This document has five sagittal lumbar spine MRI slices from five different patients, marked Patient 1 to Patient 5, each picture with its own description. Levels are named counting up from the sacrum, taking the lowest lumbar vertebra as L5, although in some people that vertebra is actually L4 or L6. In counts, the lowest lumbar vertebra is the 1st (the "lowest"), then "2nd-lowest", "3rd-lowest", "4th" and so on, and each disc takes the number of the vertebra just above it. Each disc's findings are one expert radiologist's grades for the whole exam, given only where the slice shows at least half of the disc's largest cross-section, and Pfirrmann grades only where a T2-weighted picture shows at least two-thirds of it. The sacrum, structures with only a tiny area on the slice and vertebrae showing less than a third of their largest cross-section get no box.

Patient 1 of 5:
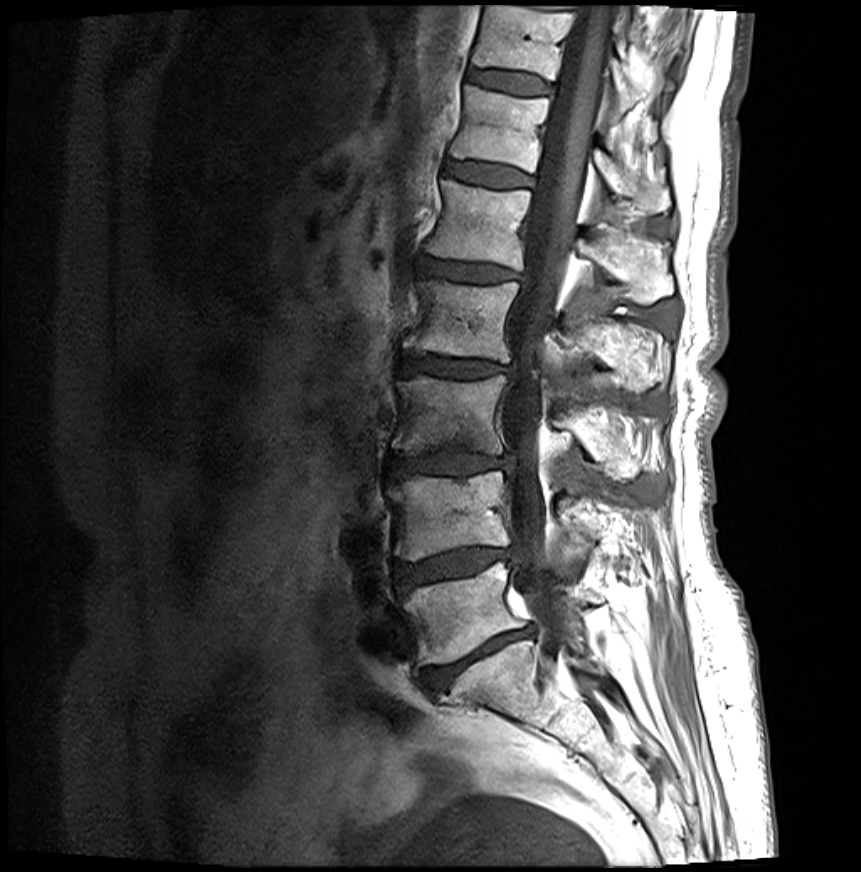 Image 861x872, Sex F, Slice 14/27, Lumbar spine MR, T1-weighted, sagittal
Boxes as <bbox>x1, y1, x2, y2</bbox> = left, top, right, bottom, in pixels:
Structures:
* 5th vertebra: <bbox>427, 181, 673, 303</bbox>
* 4th disc: <bbox>400, 357, 507, 377</bbox>
* 3rd-lowest vertebra: <bbox>392, 376, 628, 471</bbox>
* 7th disc: <bbox>467, 71, 552, 94</bbox>
* spinal canal: <bbox>503, 6, 614, 694</bbox>
* 4th vertebra: <bbox>404, 281, 670, 391</bbox>
* lowest disc: <bbox>422, 629, 530, 692</bbox>
* 7th vertebra: <bbox>472, 6, 640, 113</bbox>
* lowest vertebra: <bbox>404, 562, 604, 665</bbox>
* 5th disc: <bbox>419, 257, 517, 282</bbox>
* 6th disc: <bbox>446, 162, 530, 187</bbox>
* 6th vertebra: <bbox>451, 87, 670, 213</bbox>
* 3rd-lowest disc: <bbox>388, 450, 510, 477</bbox>
* 2nd-lowest disc: <bbox>393, 548, 512, 592</bbox>
* 2nd-lowest vertebra: <bbox>388, 471, 593, 560</bbox>

Per-level radiological findings:
  2nd-lowest disc: disc narrowing, lower-endplate change, disc bulging, upper-endplate change, disc herniation, Modic type II
  3rd-lowest disc: disc narrowing, upper-endplate change, disc bulging, Modic type II, lower-endplate change
  7th disc: Modic type II, upper-endplate change, lower-endplate change
  4th disc: disc narrowing, disc bulging, upper-endplate change, Modic type II, lower-endplate change
  5th disc: disc narrowing, upper-endplate change, disc bulging, Modic type II, lower-endplate change
  6th disc: lower-endplate change, upper-endplate change, Modic type II
  lowest disc: Modic type II, upper-endplate change, lower-endplate change, disc narrowing, disc bulging

Patient 2 of 5:
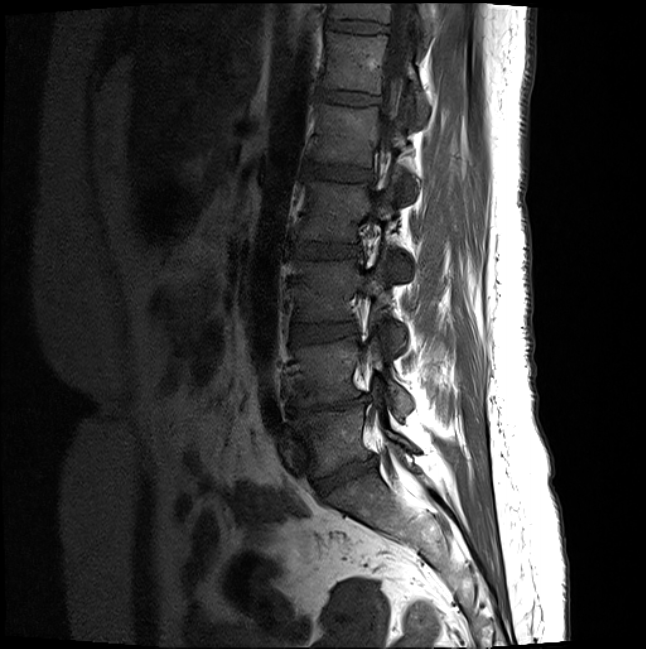

T1-weighted sagittal MRI of the lumbar spine, Field of view 300x302 mm

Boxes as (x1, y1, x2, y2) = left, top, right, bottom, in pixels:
Disc T11/T12 at (327, 18, 387, 32).
Disc L4/L5 at (288, 394, 369, 416).
L2 vertebra at (296, 177, 410, 277).
L1/L2 at (305, 160, 371, 179).
T12 vertebra at (322, 30, 429, 122).
Disc T12/L1 at (318, 88, 379, 103).
L5/S1 at (314, 458, 376, 498).
L3/L4 at (291, 322, 357, 343).
L1 vertebra at (311, 102, 416, 196).
L4 vertebra at (291, 336, 413, 414).
T11 at (329, 1, 434, 37).
L5 at (293, 403, 415, 476).
L3 at (295, 255, 405, 351).
L2/L3 at (291, 242, 361, 256).
Spinal canal at (381, 1, 414, 181).

Degenerative findings by level:
- L5/S1: disc narrowing, disc bulging
- L4/L5: Modic type II, lower-endplate change, disc narrowing, disc bulging, upper-endplate change
- L2/L3, L1/L2, T12/L1, L3/L4, T11/T12: no spondylolisthesis, narrowing, bulging, herniation, Modic or endplate change recorded

Patient 3 of 5:
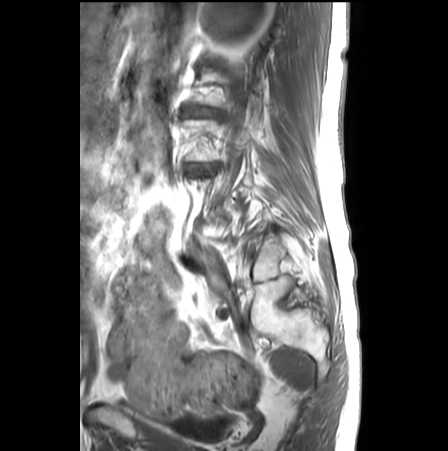 Field of view 280x282 mm, slice spacing 3.3 mm, T1-weighted sagittal MRI of the lumbar spine
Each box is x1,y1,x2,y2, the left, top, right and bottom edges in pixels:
- L3/L4 = 187,164,216,174
- L2/L3 = 184,108,221,117

Per-level radiological findings:
  L3/L4: lower-endplate change, Modic type II, disc narrowing, disc bulging, spondylolisthesis, upper-endplate change
  L2/L3: disc bulging, spondylolisthesis, disc narrowing, upper-endplate change, lower-endplate change, Modic type II

Patient 4 of 5:
T1-weighted sagittal MRI of the lumbar spine | Image 1092x1109 | Patient sex: F
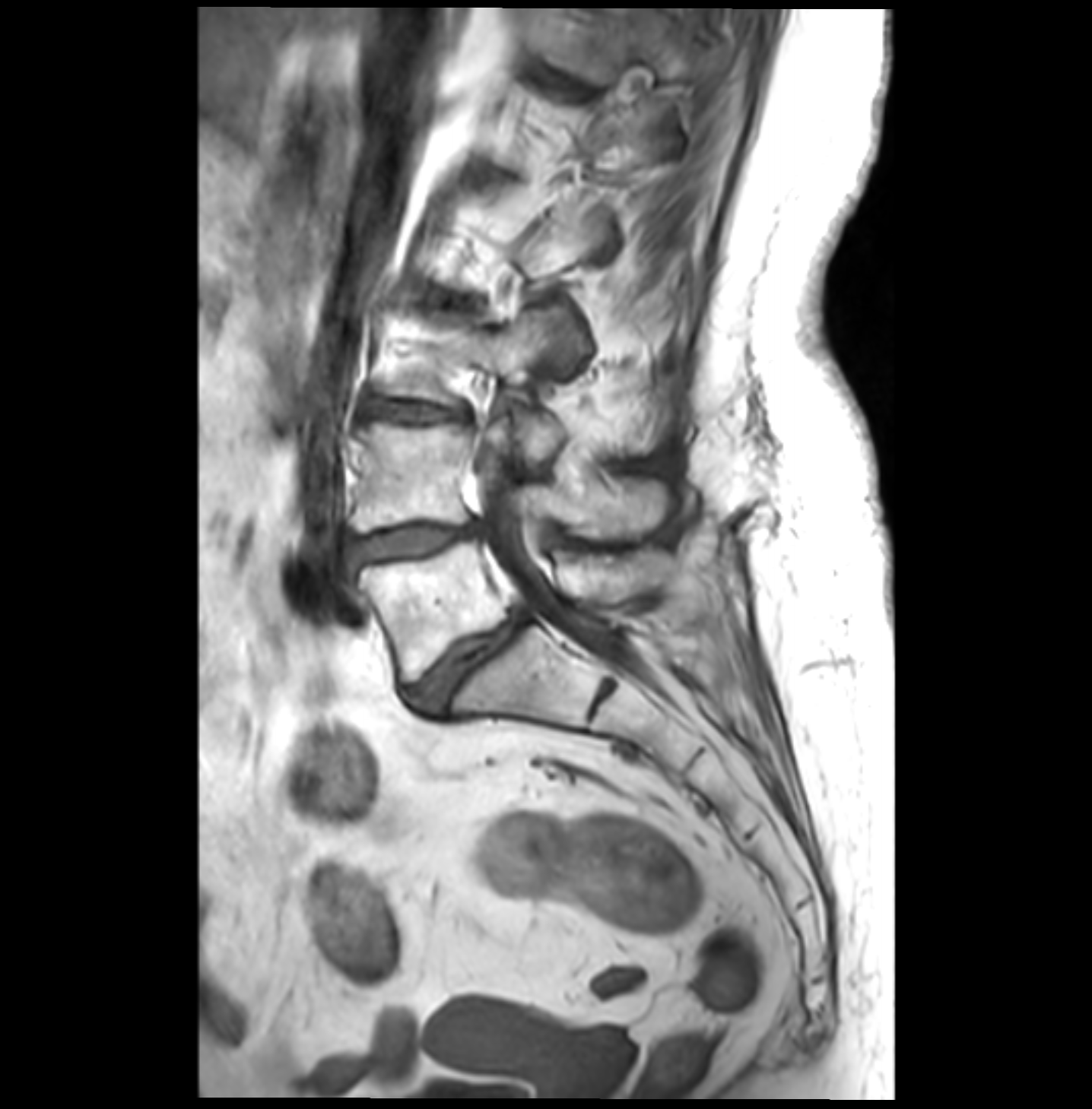
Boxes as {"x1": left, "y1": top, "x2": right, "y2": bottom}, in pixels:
{"disc L5/S1": {"x1": 411, "y1": 611, "x2": 528, "y2": 712}, "spinal canal": {"x1": 474, "y1": 446, "x2": 656, "y2": 686}, "L5": {"x1": 360, "y1": 541, "x2": 677, "y2": 680}, "L4 vertebra": {"x1": 352, "y1": 423, "x2": 671, "y2": 538}, "disc L3/L4": {"x1": 366, "y1": 400, "x2": 471, "y2": 419}, "L3 vertebra": {"x1": 385, "y1": 308, "x2": 638, "y2": 464}, "disc L4/L5": {"x1": 346, "y1": 525, "x2": 478, "y2": 572}}

Per-level radiological findings:
  L4/L5: Modic type II, disc narrowing, disc bulging
  L3/L4: Modic type II, disc narrowing, disc bulging
  L5/S1: disc bulging, disc narrowing, Modic type II, spondylolisthesis

Patient 5 of 5:
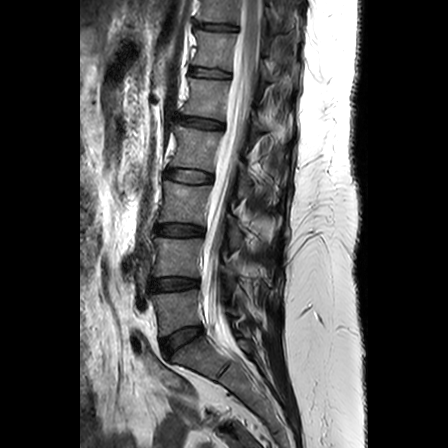 T2-weighted sagittal MRI of the lumbar spine. Slice 10/24.

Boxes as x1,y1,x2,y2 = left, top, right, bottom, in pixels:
disc L1/L2: 175,115,223,129
L3/L4: 156,224,203,235
L4: 152,237,237,292
L3: 159,181,241,249
L2/L3: 165,169,212,182
L5 vertebra: 151,290,237,335
L4/L5: 151,278,198,290
L1: 181,78,289,140
L2: 170,125,251,199
L5/S1: 162,327,202,356
disc T12/L1: 190,67,229,77
T11/T12: 196,23,236,30
T12 vertebra: 193,30,298,96
T11 vertebra: 197,0,274,29
thecal sac / spinal canal: 202,0,262,326

Expert MSK radiologist gradings (per disc):
  L5/S1: Pfirrmann grade 3
  L2/L3: Pfirrmann grade 2
  L1/L2: Pfirrmann grade 3, upper-endplate change, Modic type II, disc bulging
  T12/L1: Pfirrmann grade 2
  L4/L5: Pfirrmann grade 3, disc narrowing
  T11/T12: Pfirrmann grade 2
  L3/L4: Pfirrmann grade 3, upper-endplate change